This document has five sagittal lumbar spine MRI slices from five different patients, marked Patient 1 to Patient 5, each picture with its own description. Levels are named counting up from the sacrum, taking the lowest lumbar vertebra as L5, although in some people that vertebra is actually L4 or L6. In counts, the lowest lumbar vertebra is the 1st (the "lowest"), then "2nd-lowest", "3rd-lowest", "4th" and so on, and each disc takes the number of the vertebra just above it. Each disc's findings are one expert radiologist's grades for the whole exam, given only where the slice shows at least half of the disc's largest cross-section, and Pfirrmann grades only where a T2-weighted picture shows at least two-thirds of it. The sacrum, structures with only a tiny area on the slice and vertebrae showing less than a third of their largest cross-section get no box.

Patient 1 of 5:
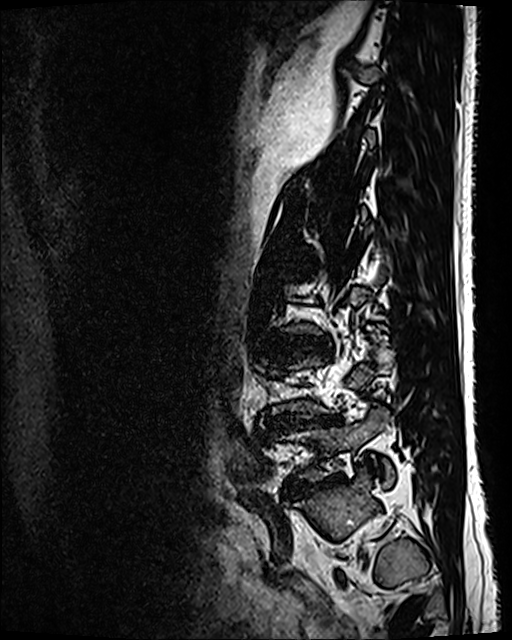 Patient sex: M, Image 512x640, Sagittal T2 SPACE (3D) lumbar spine MRI

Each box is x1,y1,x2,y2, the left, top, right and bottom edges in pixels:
{"L5 (lowest vertebra)": "271,406,395,484", "L5/S1 (lowest disc)": "291,475,344,494", "intervertebral disc L3/L4 (3rd-lowest disc)": "278,335,328,353", "L4/L5 (2nd-lowest disc)": "275,414,331,424"}

Patient 2 of 5:
Slice 52/139; MRI lumbar spine (T2 SPACE (3D)), sagittal plane; Slice spacing 0.9 mm; Patient sex: F
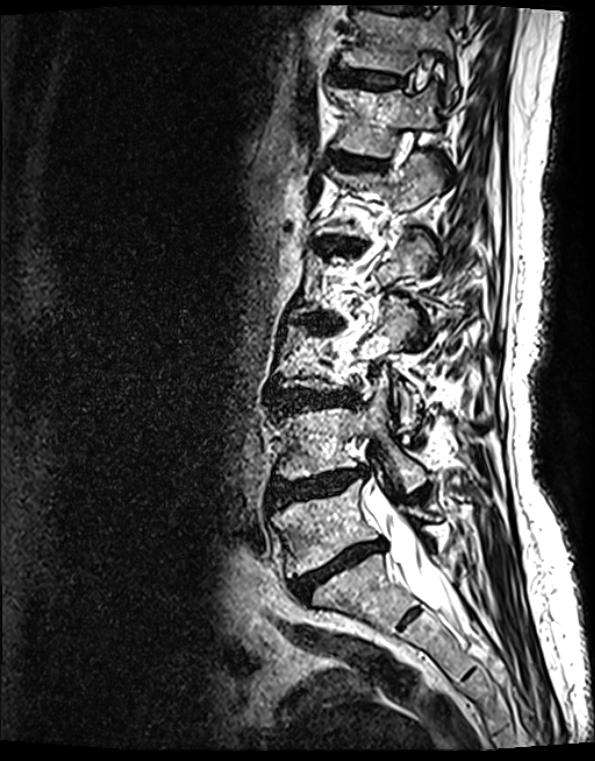
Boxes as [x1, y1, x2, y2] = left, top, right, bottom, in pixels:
Lowest vertebra: [273, 480, 433, 577].
2nd-lowest disc: [272, 468, 364, 506].
7th disc: [336, 70, 402, 89].
Spinal canal: [371, 496, 464, 623].
6th disc: [337, 154, 379, 170].
Lowest disc: [293, 541, 383, 598].
2nd-lowest vertebra: [277, 375, 426, 491].
3rd-lowest disc: [277, 389, 354, 408].
6th vertebra: [336, 85, 437, 158].
7th vertebra: [342, 8, 458, 103].

Per-level radiological findings:
• 7th disc: Pfirrmann grade 2, Modic type II, lower-endplate change, upper-endplate change
• 2nd-lowest disc: Pfirrmann grade 4, Modic type II, lower-endplate change, disc bulging, disc herniation, upper-endplate change, disc narrowing
• lowest disc: Pfirrmann grade 5, upper-endplate change, Modic type II, disc narrowing, lower-endplate change, disc bulging
• 3rd-lowest disc: Pfirrmann grade 4, lower-endplate change, disc bulging, Modic type II, disc narrowing, upper-endplate change

Patient 3 of 5:
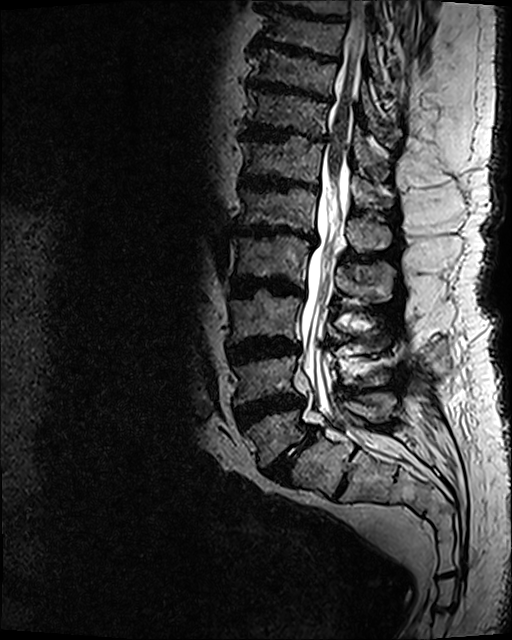
T2 SPACE (3D) sagittal MRI of the lumbar spine. Slice 68/120.
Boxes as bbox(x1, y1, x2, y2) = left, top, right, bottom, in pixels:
IVD T10/T11 at bbox(247, 77, 332, 103) | L3 vertebra at bbox(229, 290, 391, 345) | L4 at bbox(235, 356, 390, 403) | L5 at bbox(245, 391, 396, 467) | L1/L2 at bbox(234, 224, 318, 245) | L2 vertebra at bbox(234, 234, 396, 301) | T10 at bbox(252, 48, 387, 141) | L1 at bbox(237, 188, 392, 253) | L5/S1 at bbox(263, 426, 315, 483) | T12/L1 at bbox(240, 174, 318, 192) | T9/T10 at bbox(247, 44, 338, 62) | T11/T12 at bbox(240, 121, 327, 142) | IVD L3/L4 at bbox(228, 336, 299, 364) | L4/L5 at bbox(232, 394, 306, 429) | T12 vertebra at bbox(240, 135, 393, 206) | T11 vertebra at bbox(246, 89, 388, 176) | IVD L2/L3 at bbox(231, 275, 303, 297) | thecal sac / spinal canal at bbox(301, 1, 400, 458)

Radiological gradings:
  T9/T10: Pfirrmann grade 5, lower-endplate change, disc bulging, disc narrowing, Modic type II, upper-endplate change
  L4/L5: Pfirrmann grade 5, upper-endplate change, disc narrowing, Modic type II, lower-endplate change, disc bulging
  L2/L3: Pfirrmann grade 5, disc bulging, lower-endplate change, disc narrowing, Modic type II, upper-endplate change
  L5/S1: Pfirrmann grade 5, lower-endplate change, disc bulging, upper-endplate change, disc narrowing, spondylolisthesis, Modic type II
  T10/T11: lower-endplate change, Modic type II, disc narrowing, disc bulging, upper-endplate change
  L3/L4: Pfirrmann grade 5, disc narrowing, lower-endplate change, disc bulging, Modic type II, upper-endplate change
  T12/L1: Pfirrmann grade 5, lower-endplate change, disc bulging, upper-endplate change, Modic type II, disc narrowing
  L1/L2: upper-endplate change, lower-endplate change, disc bulging, disc narrowing, Modic type II
  T11/T12: Pfirrmann grade 5, Modic type II, lower-endplate change, disc narrowing, disc bulging, upper-endplate change

Patient 4 of 5:
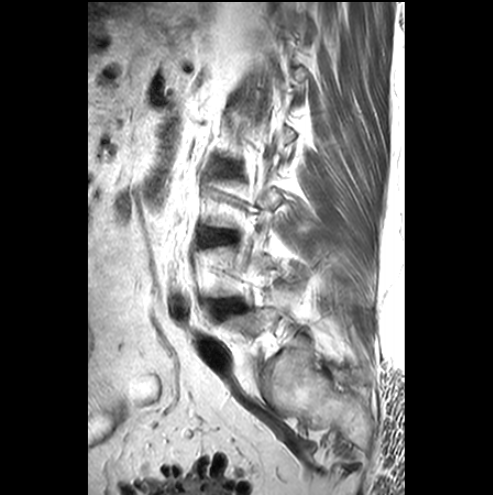

Slice 22/25 | MRI lumbar spine (T2-weighted), sagittal plane
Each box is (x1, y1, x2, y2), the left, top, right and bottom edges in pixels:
- disc L3/L4 (3rd-lowest disc) — (209, 232, 234, 242)
- L4/L5 (2nd-lowest disc) — (214, 300, 240, 315)

Patient 5 of 5:
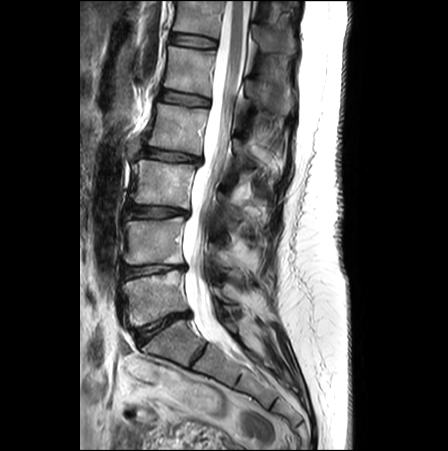
Field of view 280x282 mm, slice spacing 3.3 mm. Lumbar spine MR, T2-weighted, sagittal.
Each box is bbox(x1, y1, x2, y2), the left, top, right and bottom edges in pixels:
Annotations:
• 2nd-lowest vertebra: bbox(123, 216, 232, 266)
• 6th disc: bbox(170, 33, 215, 47)
• 2nd-lowest disc: bbox(122, 265, 185, 279)
• 4th disc: bbox(142, 148, 200, 162)
• 5th disc: bbox(160, 90, 208, 106)
• lowest disc: bbox(135, 312, 189, 344)
• lowest vertebra: bbox(122, 269, 229, 326)
• 6th vertebra: bbox(173, 0, 295, 55)
• 5th vertebra: bbox(164, 46, 290, 113)
• 3rd-lowest disc: bbox(127, 205, 187, 216)
• 3rd-lowest vertebra: bbox(132, 159, 242, 227)
• spinal canal: bbox(183, 0, 249, 352)
• 4th vertebra: bbox(149, 104, 277, 176)

Radiological gradings:
• 4th disc: Pfirrmann grade 2, disc narrowing, disc bulging
• lowest disc: Pfirrmann grade 4, disc bulging, disc narrowing, Modic type II
• 3rd-lowest disc: Pfirrmann grade 2, disc bulging, Modic type II
• 5th disc: Pfirrmann grade 1
• 2nd-lowest disc: Pfirrmann grade 3, Modic type II, disc narrowing, disc bulging, upper-endplate change
• 6th disc: Pfirrmann grade 1